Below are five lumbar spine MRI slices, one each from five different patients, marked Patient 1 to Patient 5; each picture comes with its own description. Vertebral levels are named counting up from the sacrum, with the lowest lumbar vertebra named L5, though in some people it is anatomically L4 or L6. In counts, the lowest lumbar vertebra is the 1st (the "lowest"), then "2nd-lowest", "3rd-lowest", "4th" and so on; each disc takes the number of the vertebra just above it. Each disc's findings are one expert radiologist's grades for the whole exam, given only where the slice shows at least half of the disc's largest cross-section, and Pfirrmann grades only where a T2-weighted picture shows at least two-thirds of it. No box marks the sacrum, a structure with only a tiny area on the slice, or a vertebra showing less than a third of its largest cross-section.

Patient 1 of 5:
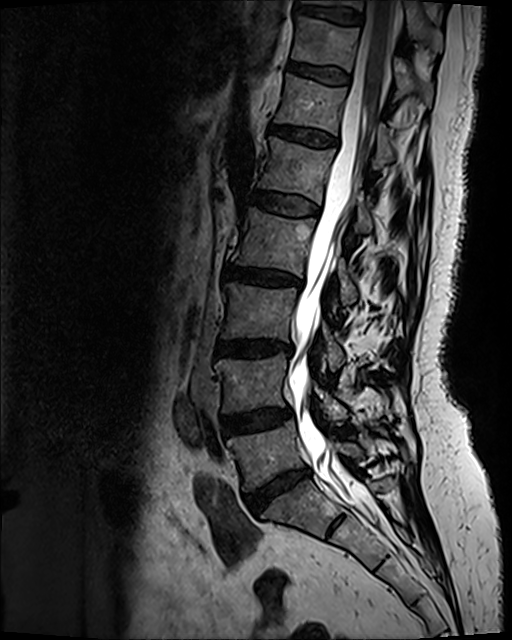

Sex F. Sagittal slice index 66. MRI lumbar spine (T2 SPACE (3D)), sagittal plane.

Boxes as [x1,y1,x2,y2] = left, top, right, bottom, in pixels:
Segmented structures:
• L3/L4 (3rd-lowest disc) = [215,340,290,353]
• thecal sac / spinal canal = [288,1,394,530]
• disc T10/T11 (8th disc) = [294,5,363,24]
• T12 (6th vertebra) = [274,73,395,165]
• T11/T12 (7th disc) = [288,63,348,83]
• L5 (lowest vertebra) = [227,421,362,491]
• L5/S1 (lowest disc) = [247,469,308,513]
• L1 (5th vertebra) = [257,137,375,231]
• L2 (4th vertebra) = [231,208,358,304]
• L3 (3rd-lowest vertebra) = [222,282,345,370]
• L4 (2nd-lowest vertebra) = [215,353,347,420]
• disc T12/L1 (6th disc) = [269,124,336,146]
• T11 (7th vertebra) = [291,16,432,105]
• disc L1/L2 (5th disc) = [250,191,317,215]
• disc L2/L3 (4th disc) = [223,265,301,285]
• T10 (8th vertebra) = [301,0,443,51]
• L4/L5 (2nd-lowest disc) = [224,408,290,432]

Per-level radiological findings:
  L5/S1 (lowest disc): Pfirrmann grade 4, disc bulging, disc narrowing
  T11/T12 (7th disc): Pfirrmann grade 2
  T12/L1 (6th disc): Pfirrmann grade 3, disc bulging
  L2/L3 (4th disc): Pfirrmann grade 4, disc narrowing, Modic type II, disc bulging, lower-endplate change, upper-endplate change
  T10/T11 (8th disc): Pfirrmann grade 2
  L1/L2 (5th disc): Pfirrmann grade 2
  L4/L5 (2nd-lowest disc): Pfirrmann grade 3, disc bulging
  L3/L4 (3rd-lowest disc): Pfirrmann grade 4, disc narrowing, lower-endplate change, upper-endplate change, Modic type II, disc bulging

Patient 2 of 5:
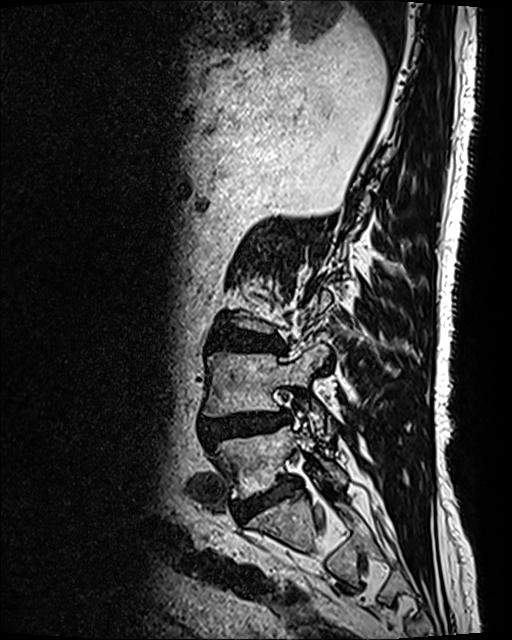
Field of view 240x300 mm, slice spacing 0.9 mm | Sagittal T2 SPACE (3D) lumbar spine MRI
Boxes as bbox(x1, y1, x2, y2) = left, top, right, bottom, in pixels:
{"2nd-lowest disc": "bbox(200, 411, 287, 447)", "2nd-lowest vertebra": "bbox(203, 346, 328, 433)", "lowest vertebra": "bbox(218, 425, 346, 497)", "lowest disc": "bbox(241, 477, 298, 517)", "3rd-lowest disc": "bbox(209, 328, 283, 352)"}

Degenerative findings by level:
• 2nd-lowest disc: Pfirrmann grade 4, upper-endplate change, lower-endplate change, Modic type II, disc narrowing, spondylolisthesis, disc bulging, disc herniation
• 3rd-lowest disc: Pfirrmann grade 4, upper-endplate change, disc bulging, lower-endplate change

Patient 3 of 5:
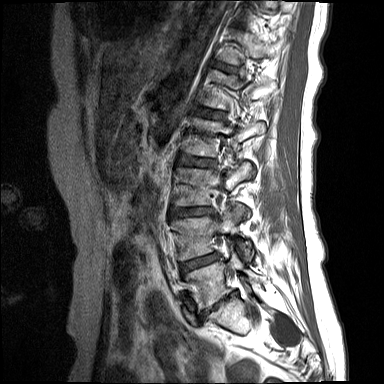 Slice spacing 4.4 mm. MRI lumbar spine (T1-weighted), sagittal plane.
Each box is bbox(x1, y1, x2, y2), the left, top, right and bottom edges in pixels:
T12 vertebra: bbox(222, 30, 277, 64)
intervertebral disc L4/L5: bbox(180, 252, 219, 274)
L1: bbox(202, 70, 276, 109)
L2/L3: bbox(178, 156, 215, 166)
L3 vertebra: bbox(174, 162, 254, 205)
intervertebral disc T12/L1: bbox(213, 62, 236, 71)
intervertebral disc L3/L4: bbox(170, 208, 213, 216)
L2: bbox(183, 117, 265, 156)
intervertebral disc L1/L2: bbox(197, 107, 224, 118)
L5: bbox(185, 249, 259, 310)
intervertebral disc L5/S1: bbox(202, 292, 236, 316)
L4 vertebra: bbox(171, 202, 251, 260)

Per-level radiological findings:
• L2/L3: Modic type II, upper-endplate change, disc bulging
• L3/L4: disc narrowing, disc bulging, Modic type II
• L4/L5: Modic type II, disc bulging
• L1/L2: Modic type II
• L5/S1: lower-endplate change, disc bulging, upper-endplate change, disc narrowing, Modic type II

Patient 4 of 5:
SIEMENS Avanto_fit (1.5T); MRI lumbar spine (T2 SPACE (3D)), sagittal plane

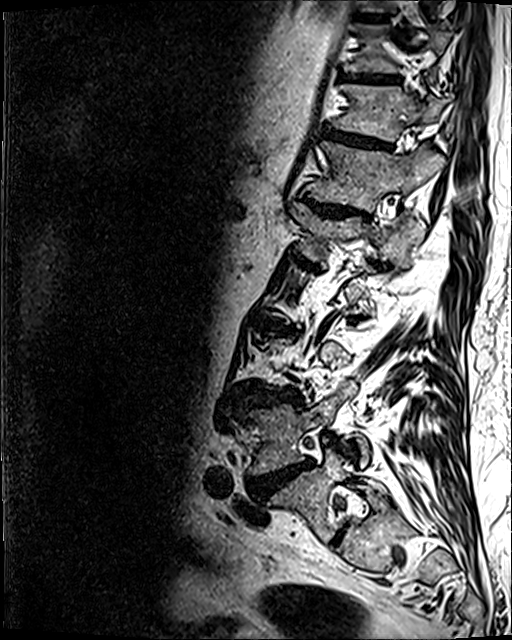 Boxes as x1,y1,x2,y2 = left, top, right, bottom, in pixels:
9th disc at 356,14,386,21; 2nd-lowest vertebra at 248,382,370,474; 6th disc at 306,198,368,218; 8th disc at 341,73,399,82; 5th vertebra at 291,202,425,258; 7th disc at 323,128,390,149; 2nd-lowest disc at 250,461,310,498; 8th vertebra at 344,24,450,73; 7th vertebra at 332,84,446,141; 3rd-lowest disc at 246,389,298,405; lowest vertebra at 268,448,385,540; 6th vertebra at 306,141,445,211.

Degenerative findings by level:
• 7th disc: lower-endplate change, disc bulging, disc narrowing, upper-endplate change
• 3rd-lowest disc: disc narrowing, disc bulging, upper-endplate change, lower-endplate change
• 2nd-lowest disc: Pfirrmann grade 5, disc narrowing, lower-endplate change, upper-endplate change, disc herniation, Modic type II, disc bulging

Patient 5 of 5:
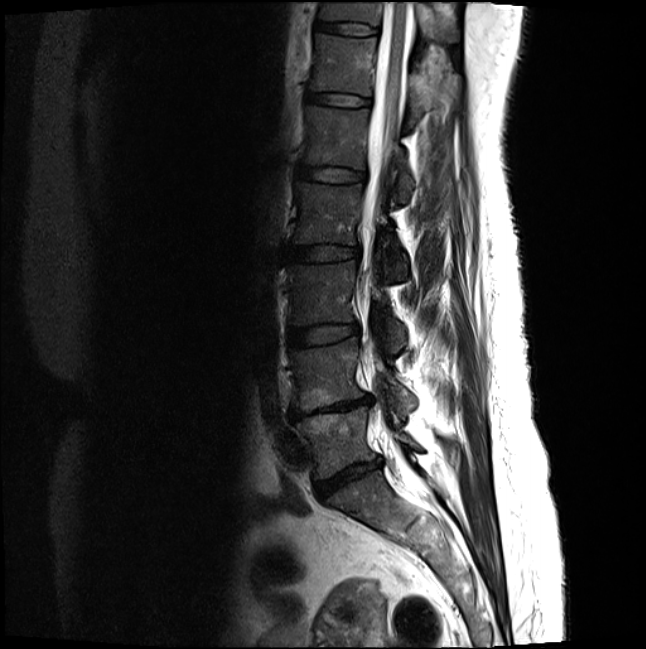 Lumbar spine MR, T2-weighted, sagittal; 646x649 px; Sagittal slice index 13
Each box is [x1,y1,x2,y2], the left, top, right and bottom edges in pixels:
L1 vertebra: [304,104,413,200] | L5 vertebra: [295,406,419,478] | intervertebral disc L5/S1: [314,460,381,500] | L4/L5: [289,396,371,420] | intervertebral disc T12/L1: [306,91,370,105] | L4: [291,337,415,412] | L3 vertebra: [288,260,406,352] | L3/L4: [288,323,358,347] | L1/L2: [298,163,365,181] | L2/L3: [284,244,358,260] | intervertebral disc T11/T12: [315,19,377,34] | spinal canal: [363,1,410,298] | T12: [310,32,452,122] | L2: [293,180,408,277] | T11: [319,1,459,41]

Expert MSK radiologist gradings (per disc):
  L3/L4: Pfirrmann grade 2
  T11/T12: Pfirrmann grade 2
  T12/L1: Pfirrmann grade 2
  L4/L5: Pfirrmann grade 5, upper-endplate change, disc bulging, lower-endplate change, disc narrowing, Modic type II
  L1/L2: Pfirrmann grade 2
  L2/L3: Pfirrmann grade 2
  L5/S1: Pfirrmann grade 4, disc narrowing, disc bulging